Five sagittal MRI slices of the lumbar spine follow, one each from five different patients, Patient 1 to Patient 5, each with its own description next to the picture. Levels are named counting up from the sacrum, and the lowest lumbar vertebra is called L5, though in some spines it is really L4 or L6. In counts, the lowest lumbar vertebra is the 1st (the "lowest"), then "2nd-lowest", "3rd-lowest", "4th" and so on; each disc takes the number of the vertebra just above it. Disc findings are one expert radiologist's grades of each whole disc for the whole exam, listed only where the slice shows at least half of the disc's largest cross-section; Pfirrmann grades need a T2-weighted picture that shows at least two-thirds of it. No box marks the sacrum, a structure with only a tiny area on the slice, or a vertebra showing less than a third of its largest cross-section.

Patient 1 of 5:
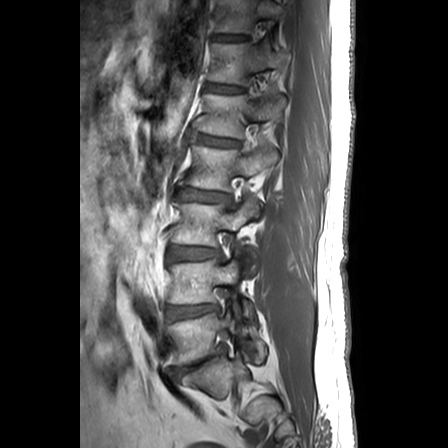
Slice 18 of 24, Field of view 280x280 mm, slice spacing 3.3 mm, Lumbar spine MR, T1-weighted, sagittal, Image 448x448

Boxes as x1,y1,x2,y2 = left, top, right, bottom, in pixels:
{"T12": "209,36,283,85", "intervertebral disc L4/L5": "167,304,218,321", "L3 vertebra": "173,199,259,270", "L1 vertebra": "198,94,285,138", "L4": "169,259,253,320", "intervertebral disc L3/L4": "169,246,219,260", "L2/L3": "177,189,229,203", "intervertebral disc L5/S1": "174,348,225,377", "T11/T12": "213,34,246,40", "L2": "185,142,277,191", "L5": "165,312,267,367", "T11": "215,0,282,33", "intervertebral disc L1/L2": "195,135,238,146", "intervertebral disc T12/L1": "207,84,242,92"}

Radiological gradings:
• L1/L2: Modic type II, disc bulging, lower-endplate change, upper-endplate change
• L2/L3: disc bulging
• L3/L4: disc bulging
• L4/L5: disc bulging, disc narrowing
• T11/T12, T12/L1: no Modic or endplate change, herniation, narrowing, bulging or spondylolisthesis recorded

Patient 2 of 5:
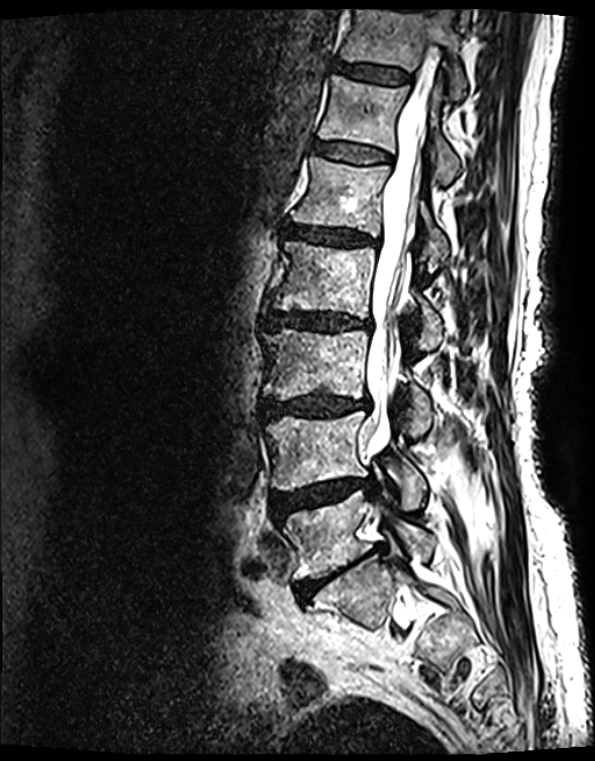

Sagittal T2 SPACE (3D) lumbar spine MRI | Sex F | Image 595x761 | Slice 79 of 139

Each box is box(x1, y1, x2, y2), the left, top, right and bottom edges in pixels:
Intervertebral disc T11/T12 (7th disc) — box(336, 63, 409, 85).
T11 (7th vertebra) — box(341, 10, 465, 99).
L5/S1 (lowest disc) — box(296, 559, 359, 598).
L2 (4th vertebra) — box(273, 243, 441, 349).
T12 (6th vertebra) — box(319, 75, 459, 184).
Intervertebral disc L1/L2 (5th disc) — box(288, 225, 372, 245).
Intervertebral disc L4/L5 (2nd-lowest disc) — box(273, 480, 377, 523).
Intervertebral disc T12/L1 (6th disc) — box(314, 144, 388, 164).
L5 (lowest vertebra) — box(284, 490, 434, 579).
L3 (3rd-lowest vertebra) — box(263, 330, 430, 436).
L1 (5th vertebra) — box(293, 159, 449, 268).
Thecal sac / spinal canal — box(365, 49, 433, 449).
L4 (2nd-lowest vertebra) — box(266, 412, 426, 509).
Intervertebral disc L3/L4 (3rd-lowest disc) — box(267, 393, 368, 419).
L2/L3 (4th disc) — box(266, 313, 370, 330).

Expert MSK radiologist gradings (per disc):
  L2/L3 (4th disc): Pfirrmann grade 4, disc narrowing, upper-endplate change, lower-endplate change, disc bulging, Modic type II
  L3/L4 (3rd-lowest disc): Pfirrmann grade 4, disc bulging, Modic type II, lower-endplate change, disc narrowing, upper-endplate change
  L1/L2 (5th disc): Pfirrmann grade 4, disc narrowing, Modic type II, upper-endplate change, disc bulging, lower-endplate change
  L4/L5 (2nd-lowest disc): Pfirrmann grade 4, Modic type II, upper-endplate change, disc bulging, lower-endplate change, disc narrowing, disc herniation
  T12/L1 (6th disc): Pfirrmann grade 2, lower-endplate change, upper-endplate change, Modic type II
  T11/T12 (7th disc): Pfirrmann grade 2, lower-endplate change, Modic type II, upper-endplate change

Patient 3 of 5:
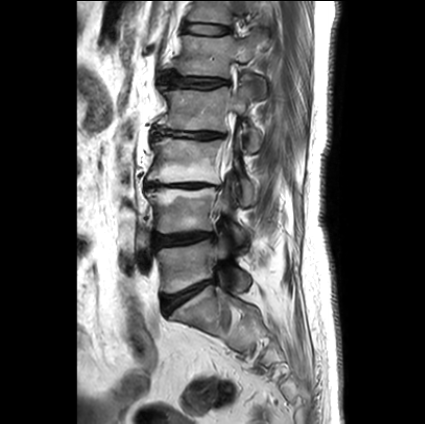 Sagittal T2-weighted lumbar spine MRI | Sex F
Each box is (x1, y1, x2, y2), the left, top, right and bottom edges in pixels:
Annotations:
• spinal canal: (221, 148, 233, 164)
• L5: (158, 237, 249, 293)
• L4: (146, 187, 246, 245)
• L1/L2: (163, 72, 230, 87)
• L3 vertebra: (147, 137, 254, 205)
• L2: (159, 76, 260, 150)
• IVD T12/L1: (185, 24, 228, 34)
• L4/L5: (154, 232, 212, 247)
• IVD L2/L3: (151, 128, 222, 139)
• L1: (176, 35, 267, 97)
• IVD L3/L4: (146, 183, 218, 188)
• T12 vertebra: (189, 1, 263, 24)
• L5/S1: (162, 280, 213, 314)

Expert MSK radiologist gradings (per disc):
  L2/L3: Pfirrmann grade 1, disc narrowing, lower-endplate change, disc bulging, upper-endplate change
  L5/S1: Pfirrmann grade 1, disc bulging
  T12/L1: Pfirrmann grade 2
  L1/L2: Pfirrmann grade 4, disc bulging, lower-endplate change, upper-endplate change
  L3/L4: Pfirrmann grade 5, upper-endplate change, disc bulging, disc narrowing, lower-endplate change, Modic type II
  L4/L5: Pfirrmann grade 2, disc bulging

Patient 4 of 5:
Slice 7/19. Field of view 260x263 mm. Sex F. Sagittal T1-weighted lumbar spine MRI. 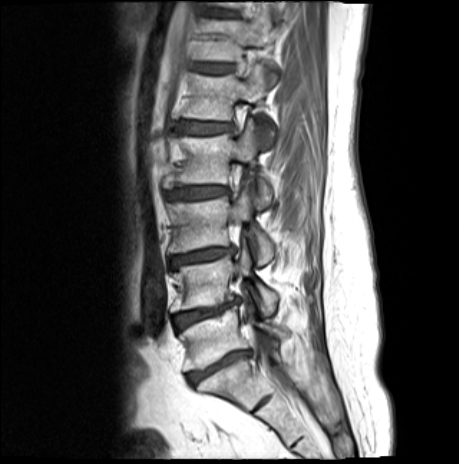

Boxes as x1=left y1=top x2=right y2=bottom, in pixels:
6th disc = x1=196 y1=64 x2=233 y2=73.
4th vertebra = x1=163 y1=120 x2=271 y2=208.
5th vertebra = x1=184 y1=65 x2=274 y2=145.
2nd-lowest vertebra = x1=171 y1=246 x2=277 y2=315.
Lowest vertebra = x1=179 y1=307 x2=286 y2=370.
6th vertebra = x1=195 y1=20 x2=279 y2=77.
4th disc = x1=168 y1=186 x2=227 y2=199.
Lowest disc = x1=189 y1=351 x2=248 y2=383.
5th disc = x1=178 y1=121 x2=228 y2=134.
2nd-lowest disc = x1=173 y1=301 x2=237 y2=329.
3rd-lowest disc = x1=171 y1=247 x2=233 y2=268.
3rd-lowest vertebra = x1=168 y1=185 x2=273 y2=264.

Radiological gradings:
- 5th disc: upper-endplate change, lower-endplate change, disc bulging, Modic type II
- 2nd-lowest disc: lower-endplate change, disc bulging, disc narrowing, upper-endplate change, Modic type II
- 3rd-lowest disc: disc bulging, upper-endplate change, lower-endplate change, Modic type II, disc narrowing
- 6th disc: upper-endplate change, Modic type II, lower-endplate change
- lowest disc: upper-endplate change, disc bulging, lower-endplate change, Modic type II, disc narrowing
- 4th disc: disc bulging, Modic type II, lower-endplate change, upper-endplate change

Patient 5 of 5:
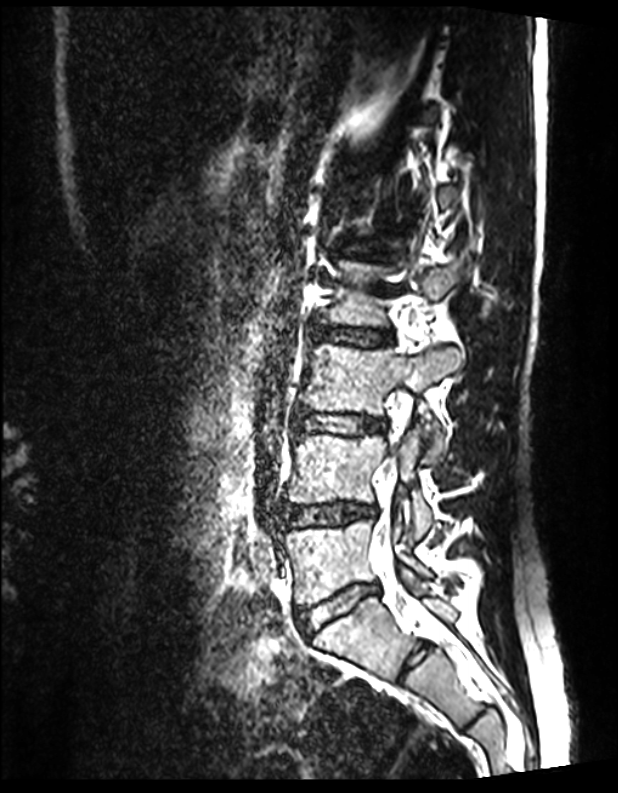

Slice 55 of 144; Lumbar spine MR, T2 SPACE (3D), sagittal; Field of view 240x308 mm, slice spacing 0.9 mm

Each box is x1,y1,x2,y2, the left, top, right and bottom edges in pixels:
2nd-lowest vertebra — 290,434,432,538.
2nd-lowest disc — 283,501,374,527.
5th disc — 337,240,381,258.
3rd-lowest disc — 294,410,384,436.
3rd-lowest vertebra — 303,344,463,462.
4th disc — 309,324,393,346.
Thecal sac / spinal canal — 372,457,404,607.
4th vertebra — 320,257,472,325.
Lowest vertebra — 286,520,430,604.
Lowest disc — 298,585,378,635.

Expert MSK radiologist gradings (per disc):
  2nd-lowest disc: Pfirrmann grade 1
  lowest disc: Pfirrmann grade 1
  4th disc: Pfirrmann grade 1
  3rd-lowest disc: Pfirrmann grade 1